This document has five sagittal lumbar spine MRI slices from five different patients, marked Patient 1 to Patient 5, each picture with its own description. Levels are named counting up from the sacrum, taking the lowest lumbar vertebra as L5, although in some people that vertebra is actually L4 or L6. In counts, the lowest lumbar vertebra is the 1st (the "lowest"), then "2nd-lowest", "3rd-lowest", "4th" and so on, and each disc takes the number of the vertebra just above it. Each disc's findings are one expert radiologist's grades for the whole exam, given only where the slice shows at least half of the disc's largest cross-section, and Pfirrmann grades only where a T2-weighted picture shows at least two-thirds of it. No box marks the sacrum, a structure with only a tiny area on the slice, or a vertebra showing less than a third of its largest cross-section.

Patient 1 of 5:
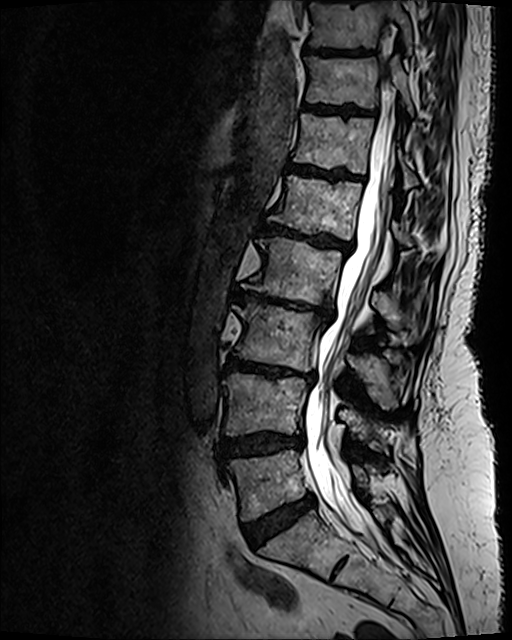 Image 512x640, MRI lumbar spine (T2 SPACE (3D)), sagittal plane, Field of view 240x300 mm
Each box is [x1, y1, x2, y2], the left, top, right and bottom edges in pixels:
{"L4": "[223, 373, 386, 449]", "T11": "[305, 56, 413, 115]", "L2": "[251, 237, 420, 344]", "L5/S1": "[243, 496, 314, 546]", "IVD T12/L1": "[288, 164, 362, 179]", "T11/T12": "[305, 106, 355, 114]", "L4/L5": "[221, 432, 303, 458]", "T10": "[309, 0, 411, 51]", "T10/T11": "[305, 48, 369, 55]", "L1 vertebra": "[268, 175, 412, 245]", "L5": "[228, 449, 367, 520]", "L3 vertebra": "[234, 303, 400, 408]", "IVD L1/L2": "[259, 223, 352, 251]", "L3/L4": "[225, 357, 314, 381]", "IVD L2/L3": "[236, 291, 332, 320]", "thecal sac / spinal canal": "[305, 23, 396, 550]", "T12 vertebra": "[293, 113, 417, 188]"}

Degenerative findings by level:
  L2/L3: lower-endplate change, Modic type II, disc narrowing, disc bulging, upper-endplate change
  L3/L4: lower-endplate change, upper-endplate change, disc narrowing, Modic type II, disc bulging
  T12/L1: Pfirrmann grade 4, upper-endplate change, lower-endplate change, Modic type II
  L1/L2: Pfirrmann grade 5, disc narrowing, upper-endplate change, disc bulging, Modic type II, lower-endplate change
  L5/S1: Pfirrmann grade 4, disc bulging
  L4/L5: Pfirrmann grade 4, lower-endplate change, disc bulging, upper-endplate change
  T11/T12: Pfirrmann grade 4, upper-endplate change, lower-endplate change
  T10/T11: Pfirrmann grade 4, lower-endplate change, upper-endplate change

Patient 2 of 5:
Sagittal slice index 8; MRI lumbar spine (T2-weighted), sagittal plane; Philips Medical Systems Ingenia (1.5T)

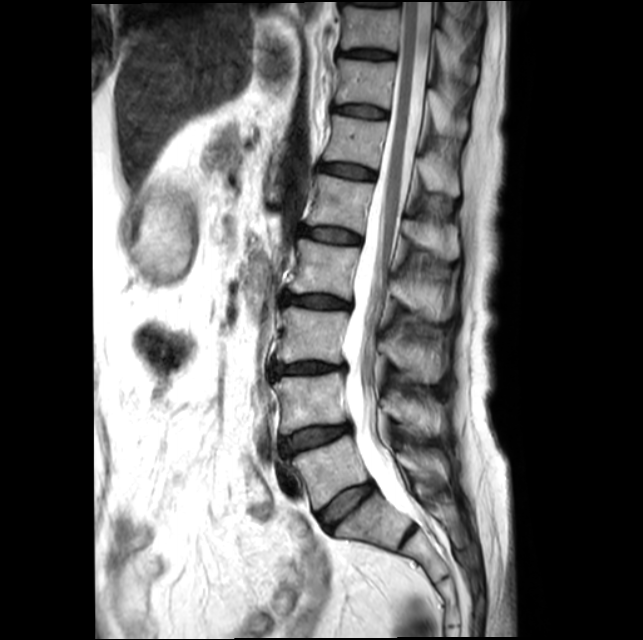 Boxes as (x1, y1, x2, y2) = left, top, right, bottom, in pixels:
Structures:
- T10 vertebra = (341, 6, 478, 84)
- IVD L1/L2 = (302, 228, 360, 243)
- T10/T11 = (340, 50, 394, 59)
- IVD L2/L3 = (283, 294, 349, 308)
- L1 vertebra = (307, 175, 459, 261)
- L3 = (277, 308, 446, 383)
- L5/S1 = (318, 483, 374, 530)
- IVD L4/L5 = (281, 425, 350, 454)
- L2 = (289, 239, 453, 322)
- T11 = (336, 58, 468, 137)
- spinal canal = (345, 2, 431, 520)
- L5 = (287, 435, 449, 510)
- L3/L4 = (272, 362, 344, 376)
- T12 = (325, 114, 459, 196)
- L4 vertebra = (273, 372, 445, 435)
- IVD T11/T12 = (333, 106, 386, 117)
- T12/L1 = (320, 164, 374, 178)

Expert MSK radiologist gradings (per disc):
• L5/S1: Pfirrmann grade 2
• L2/L3: Pfirrmann grade 3, Modic type II, disc narrowing, disc bulging, lower-endplate change, upper-endplate change
• L1/L2: Pfirrmann grade 2, Modic type II
• L4/L5: Pfirrmann grade 2, upper-endplate change, lower-endplate change, disc bulging, Modic type II
• T12/L1: Pfirrmann grade 2
• T10/T11: Pfirrmann grade 2
• T11/T12: Pfirrmann grade 2
• L3/L4: Pfirrmann grade 3, disc bulging, disc narrowing, Modic type II, upper-endplate change, lower-endplate change

Patient 3 of 5:
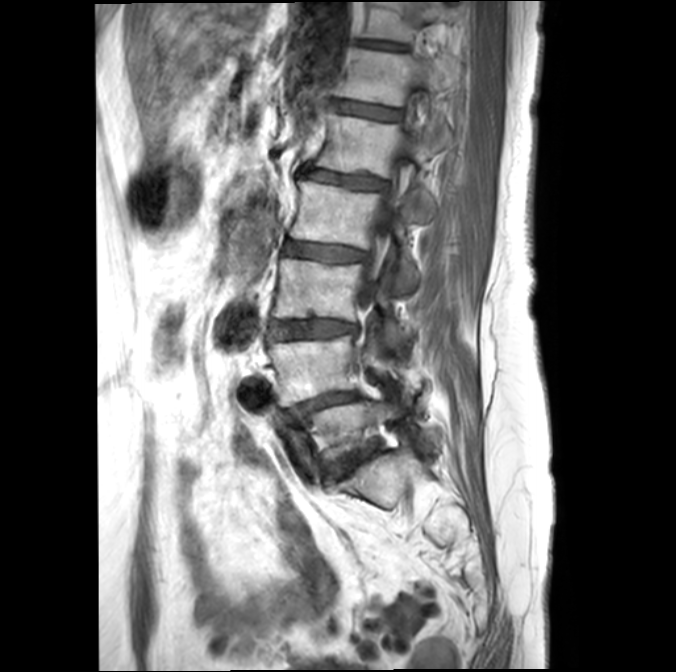 T1-weighted sagittal MRI of the lumbar spine; Sagittal slice index 14; Field of view 310x308 mm
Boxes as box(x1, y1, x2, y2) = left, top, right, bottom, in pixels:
Annotations:
- L5 (lowest vertebra) — box(301, 400, 435, 468)
- IVD L4/L5 (2nd-lowest disc) — box(287, 392, 357, 417)
- T11/T12 (7th disc) — box(359, 39, 406, 49)
- T12/L1 (6th disc) — box(332, 100, 402, 120)
- L1/L2 (5th disc) — box(304, 169, 387, 189)
- L3/L4 (3rd-lowest disc) — box(271, 318, 357, 337)
- L2 (4th vertebra) — box(290, 179, 416, 287)
- L4 (2nd-lowest vertebra) — box(268, 335, 414, 405)
- L1 (5th vertebra) — box(315, 113, 439, 215)
- spinal canal — box(355, 83, 423, 362)
- L3 (3rd-lowest vertebra) — box(272, 257, 404, 342)
- IVD L2/L3 (4th disc) — box(286, 241, 366, 260)
- T12 (6th vertebra) — box(333, 49, 449, 133)
- T11 (7th vertebra) — box(361, 1, 450, 41)
- IVD L5/S1 (lowest disc) — box(333, 449, 374, 477)

Per-level radiological findings:
- L2/L3 (4th disc): upper-endplate change, Modic type II
- T12/L1 (6th disc): upper-endplate change, lower-endplate change, Modic type II
- L1/L2 (5th disc): Modic type II, lower-endplate change
- T11/T12 (7th disc): disc bulging, upper-endplate change, lower-endplate change
- L3/L4 (3rd-lowest disc): Modic type II, upper-endplate change, lower-endplate change, disc bulging
- L4/L5 (2nd-lowest disc): lower-endplate change, disc bulging, Modic type II, disc narrowing, spondylolisthesis

Patient 4 of 5:
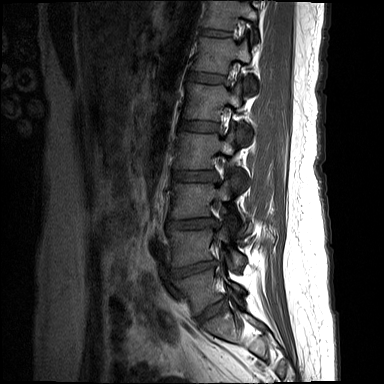 Slice 11 of 15; Lumbar spine MR, T1-weighted, sagittal; Sex F

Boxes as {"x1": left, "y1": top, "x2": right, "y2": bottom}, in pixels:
{"IVD T11/T12": {"x1": 200, "y1": 29, "x2": 230, "y2": 36}, "L2": {"x1": 174, "y1": 123, "x2": 242, "y2": 189}, "IVD T12/L1": {"x1": 188, "y1": 72, "x2": 225, "y2": 83}, "T11 vertebra": {"x1": 203, "y1": 0, "x2": 257, "y2": 37}, "L4 vertebra": {"x1": 168, "y1": 228, "x2": 245, "y2": 267}, "IVD L2/L3": {"x1": 172, "y1": 171, "x2": 216, "y2": 181}, "IVD L1/L2": {"x1": 180, "y1": 120, "x2": 218, "y2": 131}, "L5": {"x1": 174, "y1": 269, "x2": 244, "y2": 315}, "L3 vertebra": {"x1": 169, "y1": 181, "x2": 230, "y2": 218}, "T12": {"x1": 192, "y1": 37, "x2": 256, "y2": 96}, "L1 vertebra": {"x1": 184, "y1": 83, "x2": 251, "y2": 145}, "IVD L5/S1": {"x1": 195, "y1": 299, "x2": 224, "y2": 324}, "IVD L3/L4": {"x1": 167, "y1": 218, "x2": 214, "y2": 228}, "L4/L5": {"x1": 172, "y1": 261, "x2": 216, "y2": 277}}

Expert MSK radiologist gradings (per disc):
- L2/L3: disc bulging
- L3/L4: disc bulging, upper-endplate change
- L4/L5: disc narrowing, disc herniation, upper-endplate change, lower-endplate change, Modic type II
- L1/L2, T11/T12, L5/S1, T12/L1: no spondylolisthesis, narrowing, bulging, herniation, Modic or endplate change recorded

Patient 5 of 5:
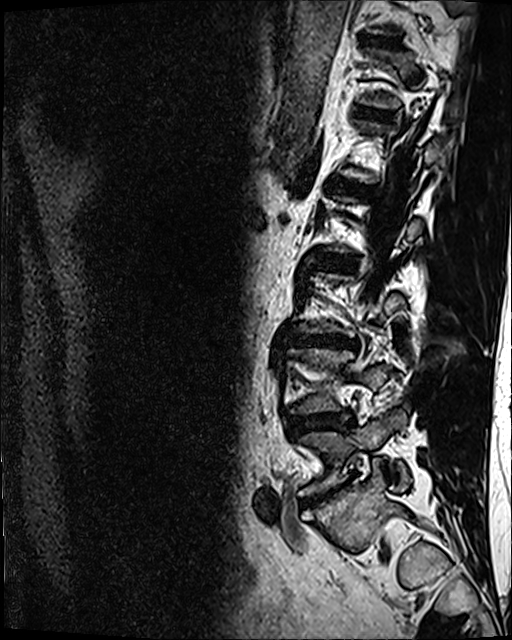 Patient sex: M | T2 SPACE (3D) sagittal MRI of the lumbar spine | Slice 37 of 120

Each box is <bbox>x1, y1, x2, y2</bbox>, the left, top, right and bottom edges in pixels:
lowest vertebra: <bbox>299, 410, 409, 495</bbox>
5th disc: <bbox>333, 180, 367, 194</bbox>
lowest disc: <bbox>301, 486, 343, 505</bbox>
7th disc: <bbox>360, 35, 401, 47</bbox>
3rd-lowest disc: <bbox>294, 335, 355, 348</bbox>
4th disc: <bbox>320, 256, 351, 269</bbox>
6th disc: <bbox>357, 110, 391, 119</bbox>
2nd-lowest disc: <bbox>290, 413, 352, 432</bbox>

Per-level radiological findings:
• 2nd-lowest disc: disc narrowing, disc bulging
• 3rd-lowest disc: disc narrowing, disc bulging, lower-endplate change